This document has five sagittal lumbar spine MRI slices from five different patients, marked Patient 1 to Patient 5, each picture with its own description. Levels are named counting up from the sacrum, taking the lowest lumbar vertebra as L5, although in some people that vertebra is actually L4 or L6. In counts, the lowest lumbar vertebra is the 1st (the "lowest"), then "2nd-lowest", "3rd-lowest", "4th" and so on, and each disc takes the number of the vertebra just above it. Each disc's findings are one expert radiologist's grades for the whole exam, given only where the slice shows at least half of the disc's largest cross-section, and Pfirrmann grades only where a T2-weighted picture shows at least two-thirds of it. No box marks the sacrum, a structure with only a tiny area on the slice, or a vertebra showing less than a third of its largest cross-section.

Patient 1 of 5:
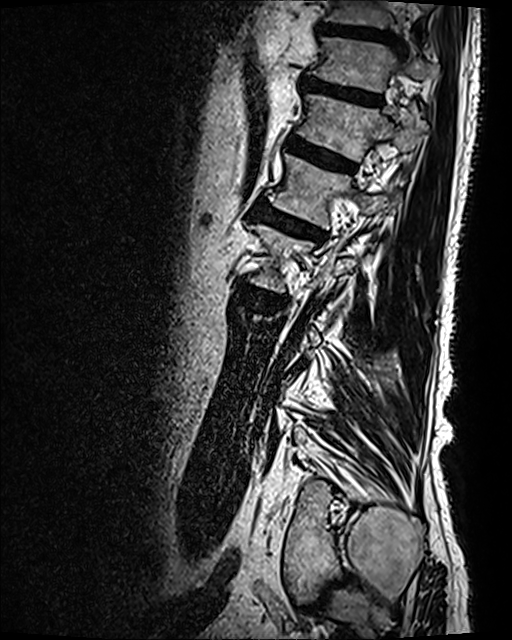
MRI lumbar spine (T2 SPACE (3D)), sagittal plane | Slice 106 of 120 | Patient sex: M | Slice spacing 0.9 mm | 512x640 px

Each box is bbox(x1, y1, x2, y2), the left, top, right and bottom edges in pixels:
Annotations:
• 6th vertebra at bbox(297, 93, 426, 161)
• 7th vertebra at bbox(307, 38, 436, 91)
• 6th disc at bbox(286, 135, 355, 172)
• 5th disc at bbox(256, 199, 327, 241)
• 7th disc at bbox(301, 75, 381, 103)
• 4th disc at bbox(239, 284, 277, 302)
• 8th disc at bbox(317, 23, 395, 41)
• 8th vertebra at bbox(325, 0, 398, 31)
• 5th vertebra at bbox(269, 155, 401, 228)

Expert MSK radiologist gradings (per disc):
- 6th disc: Pfirrmann grade 4, upper-endplate change, Modic type II, lower-endplate change, disc bulging
- 8th disc: Pfirrmann grade 3
- 7th disc: Pfirrmann grade 4, disc bulging, lower-endplate change, upper-endplate change
- 5th disc: Pfirrmann grade 4, Modic type II, disc bulging, lower-endplate change, upper-endplate change

Patient 2 of 5:
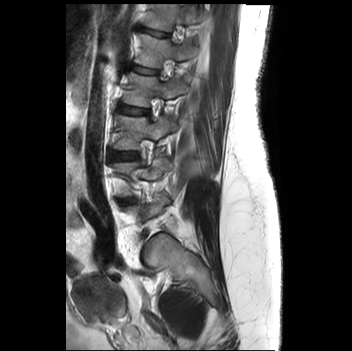

MRI lumbar spine (T2-weighted), sagittal plane
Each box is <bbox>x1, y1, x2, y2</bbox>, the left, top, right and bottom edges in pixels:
L1 at <bbox>134, 34, 197, 67</bbox>, T12 vertebra at <bbox>145, 4, 202, 31</bbox>, L4 at <bbox>114, 158, 171, 194</bbox>, L2 vertebra at <bbox>123, 72, 188, 106</bbox>, L3 vertebra at <bbox>114, 115, 176, 149</bbox>, disc L3/L4 at <bbox>109, 150, 137, 160</bbox>, disc L1/L2 at <bbox>131, 64, 158, 74</bbox>, T12/L1 at <bbox>143, 28, 169, 36</bbox>, disc L2/L3 at <bbox>118, 104, 148, 114</bbox>.

Per-level radiological findings:
- L1/L2: Pfirrmann grade 1
- L3/L4: Pfirrmann grade 1
- T12/L1: Pfirrmann grade 1
- L2/L3: Pfirrmann grade 1

Patient 3 of 5:
Sagittal slice index 6. T2-weighted sagittal MRI of the lumbar spine. 384x386 px. 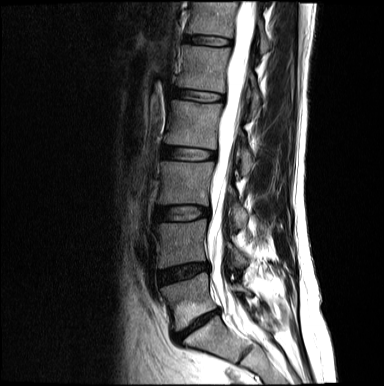

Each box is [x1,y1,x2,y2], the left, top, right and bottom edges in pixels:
L5 (lowest vertebra): [161,273,250,330]
IVD L2/L3 (4th disc): [162,146,215,160]
L1 (5th vertebra): [177,45,260,116]
IVD L1/L2 (5th disc): [171,87,223,101]
L3 (3rd-lowest vertebra): [159,162,247,228]
thecal sac / spinal canal: [208,1,254,333]
L3/L4 (3rd-lowest disc): [155,207,209,221]
L4 (2nd-lowest vertebra): [154,220,246,267]
L2 (4th vertebra): [165,100,254,175]
T12/L1 (6th disc): [184,35,230,45]
IVD L4/L5 (2nd-lowest disc): [159,263,208,284]
T12 (6th vertebra): [187,2,271,52]
L5/S1 (lowest disc): [174,310,218,340]

Expert MSK radiologist gradings (per disc):
• L1/L2 (5th disc): Pfirrmann grade 2, upper-endplate change
• T12/L1 (6th disc): Pfirrmann grade 2
• L2/L3 (4th disc): Pfirrmann grade 2
• L4/L5 (2nd-lowest disc): Pfirrmann grade 4, disc bulging, disc narrowing
• L5/S1 (lowest disc): Pfirrmann grade 5, disc herniation, lower-endplate change, disc narrowing
• L3/L4 (3rd-lowest disc): Pfirrmann grade 2

Patient 4 of 5:
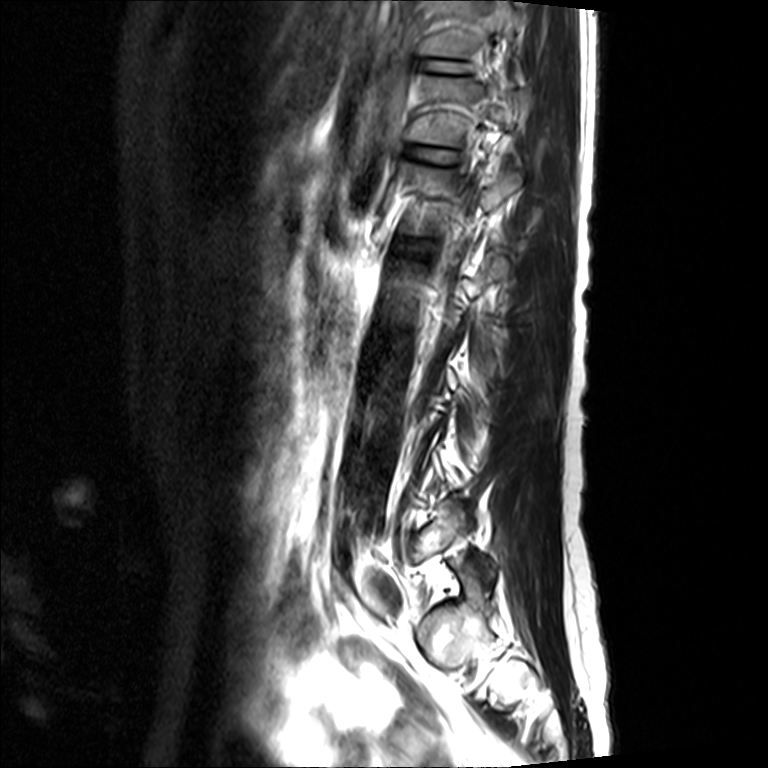 MRI lumbar spine (T2-weighted), sagittal plane. 768x768 px.
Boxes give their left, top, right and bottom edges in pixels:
Annotations:
• 7th vertebra: left=417, top=0, right=515, bottom=57
• 6th vertebra: left=407, top=74, right=518, bottom=157
• 6th disc: left=403, top=144, right=460, bottom=164
• 5th vertebra: left=403, top=161, right=521, bottom=233
• thecal sac / spinal canal: left=501, top=46, right=506, bottom=60
• 7th disc: left=413, top=55, right=473, bottom=75

Degenerative findings by level:
  6th disc: Pfirrmann grade 2
  7th disc: Pfirrmann grade 2

Patient 5 of 5:
Sex F; T2 SPACE (3D) sagittal MRI of the lumbar spine; Slice 95/130

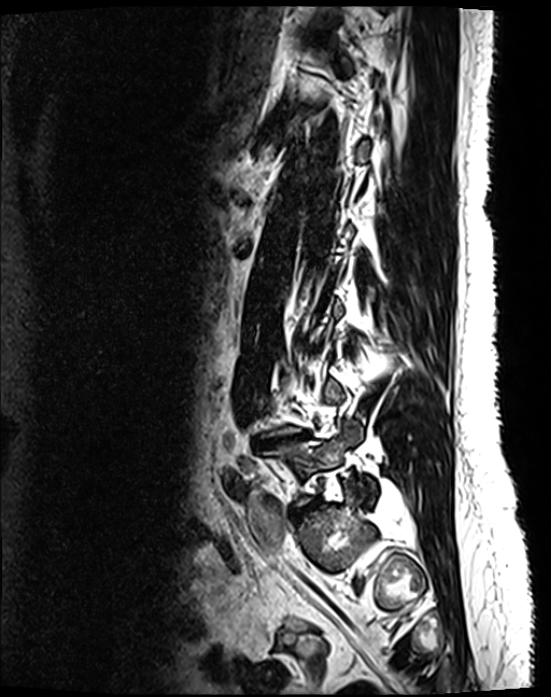
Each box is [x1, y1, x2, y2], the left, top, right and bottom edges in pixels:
Intervertebral disc L4/L5 (2nd-lowest disc): [254, 432, 309, 447].
L5 (lowest vertebra): [263, 424, 376, 505].
Intervertebral disc L5/S1 (lowest disc): [295, 501, 317, 515].